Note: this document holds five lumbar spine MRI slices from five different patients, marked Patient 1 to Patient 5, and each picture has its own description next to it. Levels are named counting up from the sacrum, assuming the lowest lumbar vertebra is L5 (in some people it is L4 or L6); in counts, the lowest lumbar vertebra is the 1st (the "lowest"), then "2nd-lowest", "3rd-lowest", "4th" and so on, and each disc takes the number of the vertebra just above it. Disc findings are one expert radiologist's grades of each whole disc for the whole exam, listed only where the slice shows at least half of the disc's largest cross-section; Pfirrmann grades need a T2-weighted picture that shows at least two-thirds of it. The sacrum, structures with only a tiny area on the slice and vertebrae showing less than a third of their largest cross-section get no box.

Patient 1 of 5:
Lumbar spine MR, T1-weighted, sagittal

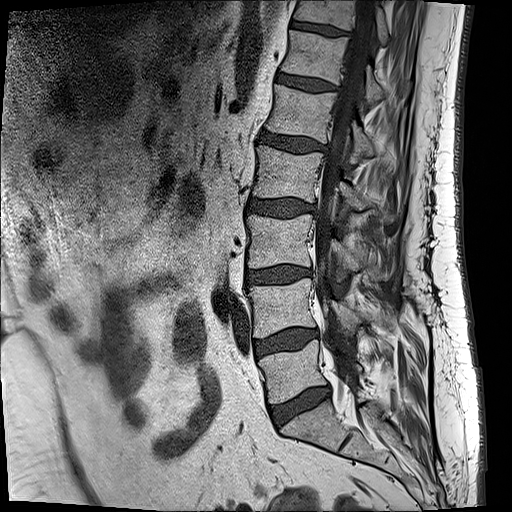
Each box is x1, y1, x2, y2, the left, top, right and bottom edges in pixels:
thecal sac / spinal canal: 314, 0, 373, 408
T11 (7th vertebra): 294, 0, 389, 45
L2 (4th vertebra): 253, 145, 393, 222
intervertebral disc L4/L5 (2nd-lowest disc): 254, 329, 317, 357
L3 (3rd-lowest vertebra): 247, 214, 389, 281
L4 (2nd-lowest vertebra): 249, 279, 361, 338
T12 (6th vertebra): 281, 30, 381, 104
T11/T12 (7th disc): 290, 19, 347, 36
L2/L3 (4th disc): 247, 198, 312, 217
L3/L4 (3rd-lowest disc): 246, 265, 306, 283
intervertebral disc L5/S1 (lowest disc): 270, 386, 329, 425
L1/L2 (5th disc): 255, 130, 325, 153
intervertebral disc T12/L1 (6th disc): 276, 73, 336, 90
L1 (5th vertebra): 266, 85, 396, 162
L5 (lowest vertebra): 259, 339, 361, 402

Degenerative findings by level:
• L1/L2 (5th disc): disc bulging
• L4/L5 (2nd-lowest disc): disc bulging, Modic type II
• L2/L3 (4th disc): disc bulging
• L3/L4 (3rd-lowest disc): disc bulging, Modic type II
• L5/S1 (lowest disc): Modic type II, disc bulging, disc narrowing
• T11/T12 (7th disc), T12/L1 (6th disc): no spondylolisthesis, narrowing, bulging, herniation, Modic or endplate change recorded

Patient 2 of 5:
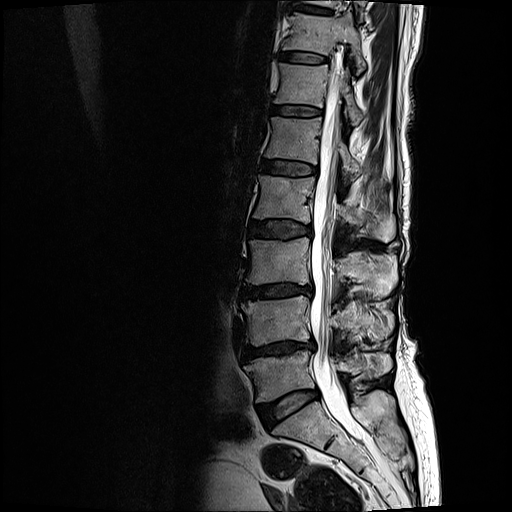 Image 512x512. MRI lumbar spine (T2-weighted), sagittal plane. Slice 8 of 17.
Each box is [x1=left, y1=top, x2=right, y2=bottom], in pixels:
{"L5 (lowest vertebra)": "[x1=244, y1=350, x2=392, y2=401]", "L3 (3rd-lowest vertebra)": "[x1=245, y1=238, x2=397, y2=297]", "L2 (4th vertebra)": "[x1=254, y1=174, x2=395, y2=242]", "L4/L5 (2nd-lowest disc)": "[x1=243, y1=341, x2=314, y2=359]", "IVD L1/L2 (5th disc)": "[x1=261, y1=160, x2=317, y2=176]", "L3/L4 (3rd-lowest disc)": "[x1=242, y1=283, x2=312, y2=297]", "L4 (2nd-lowest vertebra)": "[x1=241, y1=295, x2=393, y2=345]", "L1 (5th vertebra)": "[x1=265, y1=115, x2=388, y2=180]", "T11/T12 (7th disc)": "[x1=281, y1=53, x2=326, y2=62]", "IVD L2/L3 (4th disc)": "[x1=252, y1=220, x2=311, y2=238]", "T12 (6th vertebra)": "[x1=274, y1=62, x2=363, y2=125]", "T12/L1 (6th disc)": "[x1=272, y1=105, x2=321, y2=116]", "IVD T10/T11 (8th disc)": "[x1=293, y1=3, x2=330, y2=13]", "T11 (7th vertebra)": "[x1=283, y1=10, x2=366, y2=73]", "spinal canal": "[x1=309, y1=66, x2=362, y2=440]", "IVD L5/S1 (lowest disc)": "[x1=259, y1=390, x2=318, y2=425]"}

Expert MSK radiologist gradings (per disc):
  T11/T12 (7th disc): Pfirrmann grade 2, lower-endplate change, upper-endplate change, Modic type II
  L1/L2 (5th disc): Pfirrmann grade 3, upper-endplate change, lower-endplate change, Modic type II
  L5/S1 (lowest disc): Pfirrmann grade 2, disc bulging
  T10/T11 (8th disc): upper-endplate change, lower-endplate change
  L4/L5 (2nd-lowest disc): Pfirrmann grade 4, Modic type II, disc bulging, disc narrowing, lower-endplate change, upper-endplate change
  T12/L1 (6th disc): Pfirrmann grade 2, upper-endplate change, Modic type II, lower-endplate change
  L2/L3 (4th disc): Pfirrmann grade 3, lower-endplate change, upper-endplate change, Modic type II, disc bulging
  L3/L4 (3rd-lowest disc): Pfirrmann grade 4, disc narrowing, disc bulging, lower-endplate change, upper-endplate change, Modic type II

Patient 3 of 5:
T1-weighted sagittal MRI of the lumbar spine. SIEMENS SymphonyTim (1.5T). 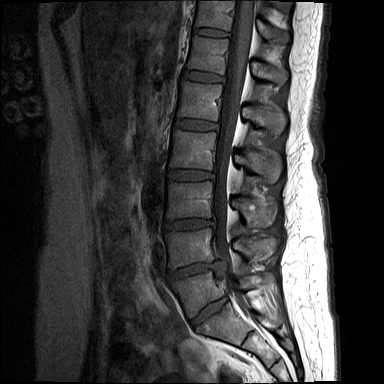

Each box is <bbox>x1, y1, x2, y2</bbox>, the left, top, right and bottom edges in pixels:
5th disc = <bbox>174, 118, 218, 130</bbox>.
Lowest disc = <bbox>190, 296, 227, 328</bbox>.
6th vertebra = <bbox>187, 35, 287, 85</bbox>.
7th disc = <bbox>193, 28, 228, 36</bbox>.
6th disc = <bbox>183, 70, 223, 81</bbox>.
3rd-lowest vertebra = <bbox>166, 181, 277, 227</bbox>.
Spinal canal = <bbox>212, 0, 255, 312</bbox>.
7th vertebra = <bbox>195, 0, 289, 43</bbox>.
3rd-lowest disc = <bbox>164, 219, 214, 229</bbox>.
5th vertebra = <bbox>178, 81, 286, 134</bbox>.
2nd-lowest vertebra = <bbox>165, 229, 276, 268</bbox>.
Lowest vertebra = <bbox>172, 270, 275, 317</bbox>.
4th vertebra = <bbox>169, 130, 281, 183</bbox>.
2nd-lowest disc = <bbox>168, 260, 227, 280</bbox>.
4th disc = <bbox>168, 170, 214, 180</bbox>.

Radiological gradings:
• 4th disc: disc bulging
• 3rd-lowest disc: upper-endplate change, disc bulging
• 2nd-lowest disc: disc narrowing, Modic type II, upper-endplate change, lower-endplate change, disc herniation
• 7th disc, 6th disc, 5th disc, lowest disc: no spondylolisthesis, narrowing, bulging, herniation, Modic or endplate change recorded

Patient 4 of 5:
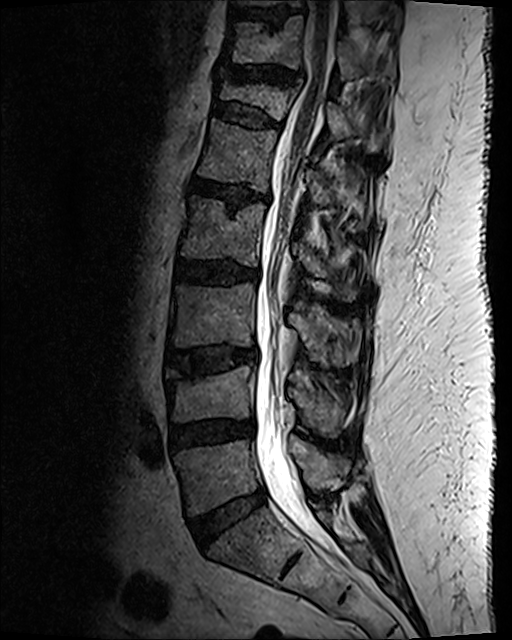 512x640 px | T2 SPACE (3D) sagittal MRI of the lumbar spine

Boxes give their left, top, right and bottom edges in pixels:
L4/L5 (2nd-lowest disc) at left=170, top=421, right=253, bottom=447; T11 (7th vertebra) at left=224, top=16, right=396, bottom=80; L1/L2 (5th disc) at left=190, top=180, right=256, bottom=210; T12 (6th vertebra) at left=220, top=84, right=387, bottom=153; L4 (2nd-lowest vertebra) at left=163, top=366, right=344, bottom=437; T11/T12 (7th disc) at left=227, top=67, right=301, bottom=84; IVD T12/L1 (6th disc) at left=213, top=103, right=280, bottom=130; L1 (5th vertebra) at left=197, top=120, right=331, bottom=206; spinal canal at left=254, top=1, right=336, bottom=549; L5 (lowest vertebra) at left=175, top=436, right=349, bottom=515; L3 (3rd-lowest vertebra) at left=171, top=285, right=348, bottom=367; IVD T10/T11 (8th disc) at left=233, top=11, right=298, bottom=21; IVD L5/S1 (lowest disc) at left=190, top=489, right=267, bottom=546; IVD L3/L4 (3rd-lowest disc) at left=167, top=348, right=256, bottom=374; L2/L3 (4th disc) at left=177, top=261, right=258, bottom=285; L2 (4th vertebra) at left=181, top=199, right=356, bottom=299.

Degenerative findings by level:
- L2/L3 (4th disc): Pfirrmann grade 3, lower-endplate change, disc bulging
- L1/L2 (5th disc): Pfirrmann grade 3, lower-endplate change, Modic type II, disc narrowing, disc bulging, upper-endplate change
- L3/L4 (3rd-lowest disc): Pfirrmann grade 3, disc bulging, upper-endplate change, Modic type II, lower-endplate change
- T12/L1 (6th disc): Pfirrmann grade 2, spondylolisthesis, lower-endplate change, upper-endplate change, disc bulging
- T11/T12 (7th disc): Pfirrmann grade 2, upper-endplate change, lower-endplate change, disc narrowing, disc bulging
- L4/L5 (2nd-lowest disc): Pfirrmann grade 3, disc bulging, disc narrowing
- L5/S1 (lowest disc): Pfirrmann grade 2, disc bulging

Patient 5 of 5:
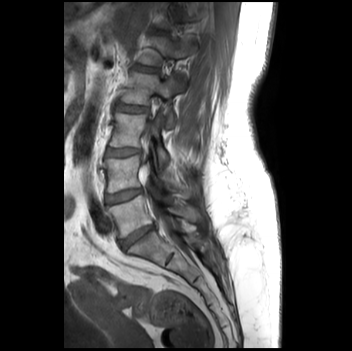 MRI lumbar spine (T1-weighted), sagittal plane. Slice 21 of 35. Sex F.
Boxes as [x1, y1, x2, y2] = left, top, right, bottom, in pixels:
Segmented structures:
* L5 — [107, 196, 202, 237]
* L5/S1 — [118, 226, 154, 249]
* intervertebral disc L3/L4 — [106, 147, 139, 156]
* L1/L2 — [136, 65, 157, 71]
* L3 — [109, 112, 168, 170]
* L1 — [139, 36, 196, 65]
* intervertebral disc L4/L5 — [104, 187, 142, 205]
* L4 vertebra — [104, 154, 191, 198]
* intervertebral disc L2/L3 — [116, 104, 147, 112]
* spinal canal — [150, 198, 182, 246]
* L2 — [120, 72, 183, 128]

Degenerative findings by level:
  L5/S1: lower-endplate change, upper-endplate change, disc narrowing, Modic type II
  L2/L3, L4/L5, L3/L4: no herniation, bulging, narrowing, spondylolisthesis, endplate or Modic change recorded